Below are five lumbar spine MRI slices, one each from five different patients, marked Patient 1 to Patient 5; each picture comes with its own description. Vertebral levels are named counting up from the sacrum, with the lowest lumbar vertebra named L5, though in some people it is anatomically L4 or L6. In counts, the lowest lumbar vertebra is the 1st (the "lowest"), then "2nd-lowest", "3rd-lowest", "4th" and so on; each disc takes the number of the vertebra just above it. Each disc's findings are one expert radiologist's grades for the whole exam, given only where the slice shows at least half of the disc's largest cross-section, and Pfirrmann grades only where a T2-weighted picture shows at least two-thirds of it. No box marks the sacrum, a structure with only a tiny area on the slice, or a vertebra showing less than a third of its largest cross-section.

Patient 1 of 5:
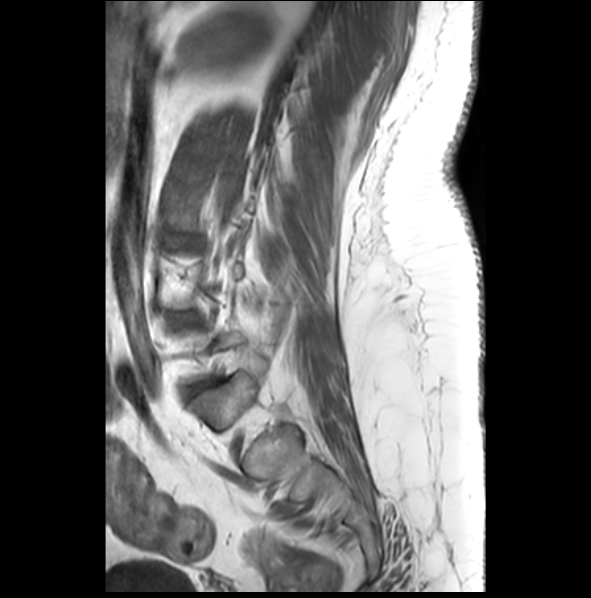 T1-weighted sagittal MRI of the lumbar spine; Sagittal slice index 5

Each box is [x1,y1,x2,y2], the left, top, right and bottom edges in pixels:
Structures:
• 2nd-lowest disc at [174,310,198,325]
• lowest disc at [190,380,217,390]

Patient 2 of 5:
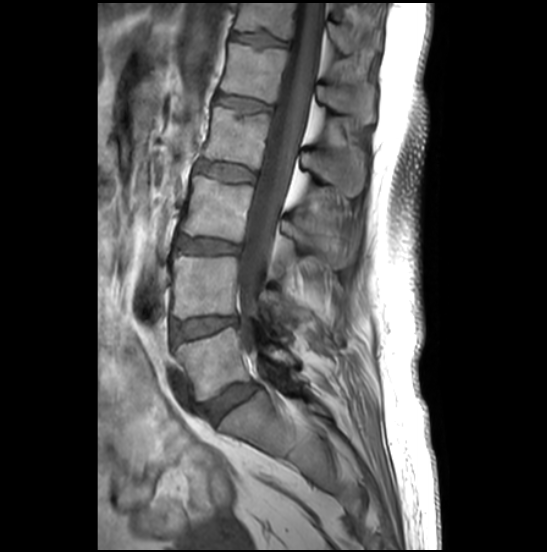
Lumbar spine MR, T1-weighted, sagittal
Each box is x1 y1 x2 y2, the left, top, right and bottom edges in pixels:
L3 (3rd-lowest vertebra): 180 176 347 269.
L1/L2 (5th disc): 215 94 270 113.
L5/S1 (lowest disc): 203 383 258 421.
L5 (lowest vertebra): 175 327 297 400.
L3/L4 (3rd-lowest disc): 176 238 238 253.
L2/L3 (4th disc): 198 163 253 182.
L4 (2nd-lowest vertebra): 172 253 296 328.
Intervertebral disc T12/L1 (6th disc): 231 33 285 46.
T12 (6th vertebra): 233 3 379 57.
L1 (5th vertebra): 221 43 374 124.
L2 (4th vertebra): 203 107 363 196.
Thecal sac / spinal canal: 237 3 323 350.
L4/L5 (2nd-lowest disc): 173 316 236 340.

Radiological gradings:
• L3/L4 (3rd-lowest disc): disc bulging
• L4/L5 (2nd-lowest disc): disc bulging
• L1/L2 (5th disc): upper-endplate change
• T12/L1 (6th disc): upper-endplate change, lower-endplate change
• L5/S1 (lowest disc): disc bulging
• L2/L3 (4th disc): no herniation, bulging, narrowing, spondylolisthesis, endplate or Modic change recorded

Patient 3 of 5:
MRI lumbar spine (T1-weighted), sagittal plane; Sagittal slice index 15; Patient sex: F; SIEMENS Avanto_fit (1.5T)
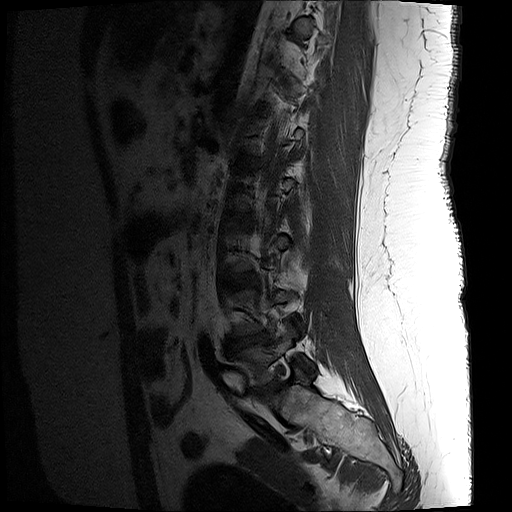
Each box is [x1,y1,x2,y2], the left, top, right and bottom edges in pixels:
L5 (lowest vertebra) at [229,322,314,386], L5/S1 (lowest disc) at [252,380,279,395], disc L3/L4 (3rd-lowest disc) at [230,273,257,288], disc L4/L5 (2nd-lowest disc) at [225,331,270,351], L4 (2nd-lowest vertebra) at [231,288,297,336].

Per-level radiological findings:
- L4/L5 (2nd-lowest disc): upper-endplate change, disc herniation, Modic type II, lower-endplate change, disc narrowing

Patient 4 of 5:
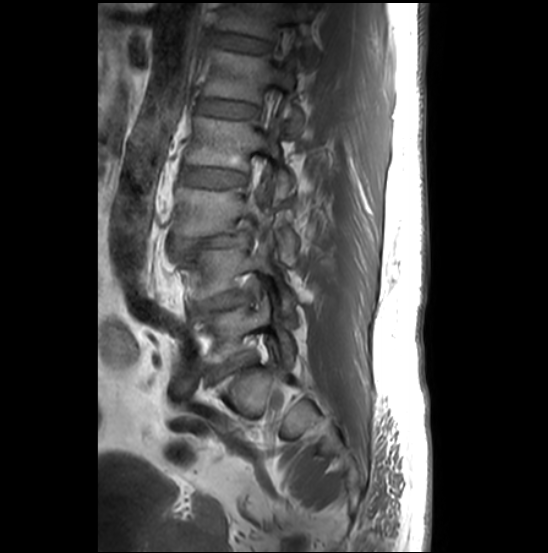

548x553 px. Sagittal T1-weighted lumbar spine MRI. Slice 19 of 27.

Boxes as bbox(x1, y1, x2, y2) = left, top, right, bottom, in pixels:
Disc L3/L4 at bbox(171, 232, 250, 254).
Disc T12/L1 at bbox(214, 34, 271, 52).
L2 at bbox(186, 117, 293, 199).
Disc L1/L2 at bbox(198, 100, 257, 118).
L5/S1 at bbox(212, 353, 250, 378).
L5 at bbox(196, 295, 296, 368).
T12 at bbox(217, 3, 315, 60).
L3 at bbox(171, 183, 299, 264).
Disc L2/L3 at bbox(182, 168, 245, 188).
L4/L5 at bbox(193, 293, 251, 313).
L1 vertebra at bbox(204, 50, 305, 135).
L4 at bbox(176, 236, 294, 316).

Per-level radiological findings:
- L3/L4: Modic type II, lower-endplate change, upper-endplate change, spondylolisthesis, disc herniation, disc narrowing
- L4/L5: Modic type II, disc bulging, upper-endplate change, lower-endplate change, disc narrowing
- T12/L1, L2/L3, L1/L2: no herniation, bulging, narrowing, spondylolisthesis, endplate or Modic change recorded

Patient 5 of 5:
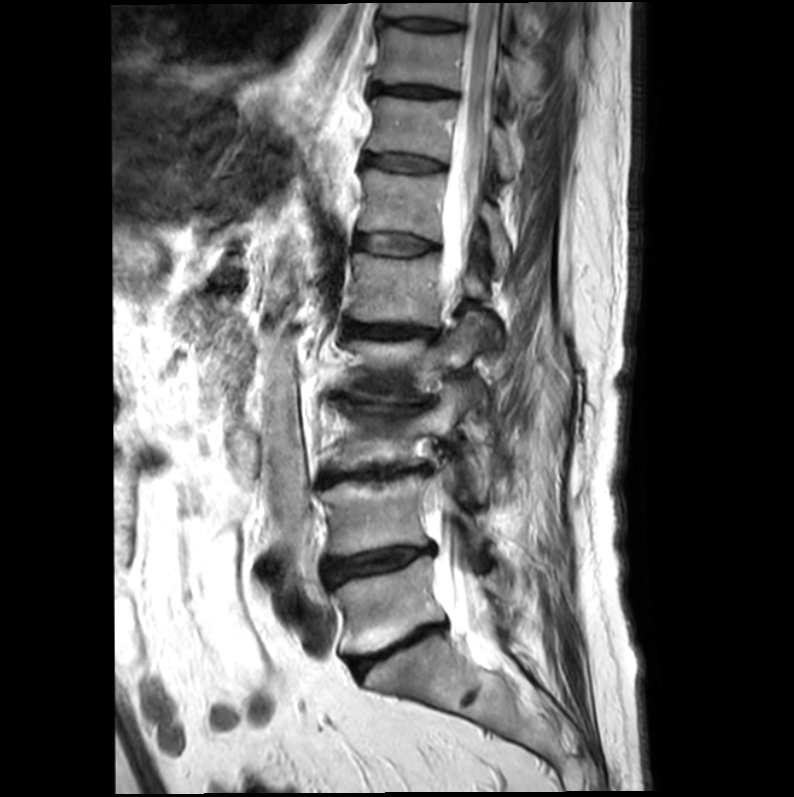 Patient sex: M. Lumbar spine MR, T2-weighted, sagittal. 794x797 px.

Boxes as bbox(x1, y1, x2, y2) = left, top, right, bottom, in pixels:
Segmented structures:
• L1 (5th vertebra): bbox(346, 254, 483, 326)
• T12/L1 (6th disc): bbox(355, 234, 434, 254)
• disc L4/L5 (2nd-lowest disc): bbox(325, 546, 430, 586)
• thecal sac / spinal canal: bbox(428, 1, 506, 662)
• disc L5/S1 (lowest disc): bbox(349, 624, 443, 674)
• disc T11/T12 (7th disc): bbox(364, 154, 441, 171)
• L5 (lowest vertebra): bbox(334, 556, 499, 652)
• L2 (4th vertebra): bbox(348, 312, 487, 401)
• disc L3/L4 (3rd-lowest disc): bbox(322, 466, 424, 484)
• T9 (9th vertebra): bbox(380, 3, 537, 35)
• L3 (3rd-lowest vertebra): bbox(331, 384, 489, 501)
• T10/T11 (8th disc): bbox(374, 85, 449, 96)
• T11 (7th vertebra): bbox(368, 97, 516, 178)
• disc L1/L2 (5th disc): bbox(346, 322, 430, 338)
• disc T9/T10 (9th disc): bbox(379, 18, 458, 30)
• L2/L3 (4th disc): bbox(340, 395, 431, 412)
• T12 (6th vertebra): bbox(358, 169, 510, 264)
• T10 (8th vertebra): bbox(374, 28, 523, 101)
• L4 (2nd-lowest vertebra): bbox(321, 463, 489, 555)

Per-level radiological findings:
• T12/L1 (6th disc): Pfirrmann grade 3
• T11/T12 (7th disc): Pfirrmann grade 3
• T9/T10 (9th disc): Pfirrmann grade 3
• L5/S1 (lowest disc): Pfirrmann grade 5, lower-endplate change, upper-endplate change, disc narrowing, Modic type II, disc bulging
• L1/L2 (5th disc): Pfirrmann grade 4, upper-endplate change, disc bulging, lower-endplate change, disc narrowing, Modic type II
• L4/L5 (2nd-lowest disc): Pfirrmann grade 5, upper-endplate change, disc bulging, lower-endplate change, Modic type II, disc narrowing
• L3/L4 (3rd-lowest disc): lower-endplate change, disc bulging, Modic type II, disc narrowing, upper-endplate change
• T10/T11 (8th disc): Pfirrmann grade 4